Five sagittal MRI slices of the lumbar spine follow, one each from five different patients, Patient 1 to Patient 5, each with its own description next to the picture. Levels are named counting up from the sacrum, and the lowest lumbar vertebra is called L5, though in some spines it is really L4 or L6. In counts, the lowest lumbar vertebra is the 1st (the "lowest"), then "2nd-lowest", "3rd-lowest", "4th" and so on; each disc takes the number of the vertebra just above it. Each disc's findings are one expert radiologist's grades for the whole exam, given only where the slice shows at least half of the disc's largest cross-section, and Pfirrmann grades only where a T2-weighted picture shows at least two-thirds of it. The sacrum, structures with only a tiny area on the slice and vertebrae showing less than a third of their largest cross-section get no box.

Patient 1 of 5:
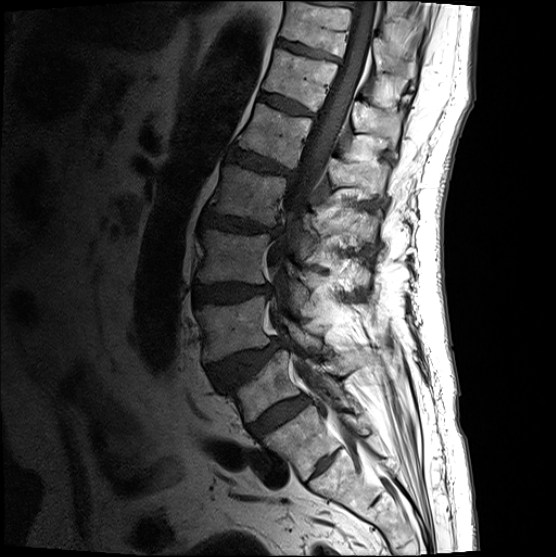 Patient sex: M | Lumbar spine MR, T1-weighted, sagittal
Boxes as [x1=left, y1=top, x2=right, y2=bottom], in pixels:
2nd-lowest disc at [x1=208, y1=341, x2=284, y2=388], 6th vertebra at [x1=263, y1=51, x2=404, y2=159], 5th disc at [x1=229, y1=150, x2=293, y2=180], 4th vertebra at [x1=208, y1=166, x2=381, y2=257], 2nd-lowest vertebra at [x1=196, y1=298, x2=321, y2=364], spinal canal at [x1=268, y1=0, x2=378, y2=450], 6th disc at [x1=259, y1=94, x2=314, y2=119], 3rd-lowest disc at [x1=193, y1=285, x2=271, y2=307], 7th vertebra at [x1=280, y1=2, x2=415, y2=92], lowest vertebra at [x1=226, y1=352, x2=365, y2=423], 4th disc at [x1=200, y1=212, x2=282, y2=238], 5th vertebra at [x1=238, y1=104, x2=391, y2=201], lowest disc at [x1=246, y1=397, x2=308, y2=439], 7th disc at [x1=277, y1=41, x2=339, y2=63], 3rd-lowest vertebra at [x1=196, y1=231, x2=370, y2=317].

Degenerative findings by level:
- 5th disc: disc bulging, upper-endplate change, lower-endplate change
- 3rd-lowest disc: disc bulging
- 2nd-lowest disc: spondylolisthesis, upper-endplate change, disc herniation
- 4th disc: lower-endplate change, disc bulging, upper-endplate change, disc narrowing
- 7th disc: lower-endplate change
- lowest disc, 6th disc: no Modic or endplate change, herniation, narrowing, bulging or spondylolisthesis recorded

Patient 2 of 5:
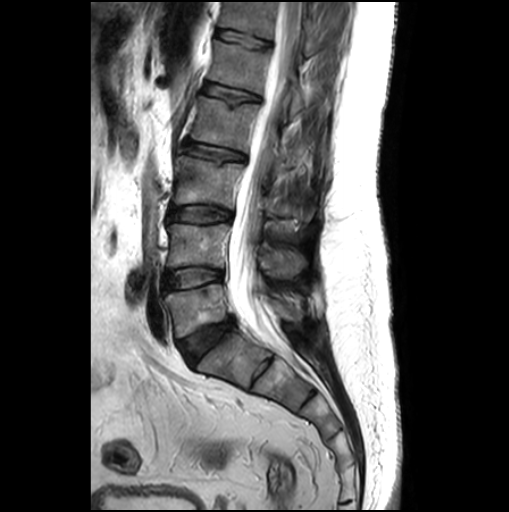 Slice 12/26. Patient sex: M. T2-weighted sagittal MRI of the lumbar spine.
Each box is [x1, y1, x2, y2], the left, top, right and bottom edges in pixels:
L3/L4 (3rd-lowest disc): [168, 206, 231, 222].
Spinal canal: [232, 2, 301, 347].
L1 (5th vertebra): [209, 41, 327, 114].
L5 (lowest vertebra): [165, 284, 301, 337].
IVD T12/L1 (6th disc): [217, 29, 269, 45].
L2 (4th vertebra): [191, 96, 294, 171].
T12 (6th vertebra): [220, 2, 317, 55].
L4 (2nd-lowest vertebra): [167, 224, 304, 277].
L4/L5 (2nd-lowest disc): [165, 267, 223, 288].
L3 (3rd-lowest vertebra): [174, 156, 311, 220].
L1/L2 (5th disc): [204, 83, 259, 103].
L5/S1 (lowest disc): [178, 319, 234, 364].
IVD L2/L3 (4th disc): [183, 142, 244, 160].

Degenerative findings by level:
- L3/L4 (3rd-lowest disc): Pfirrmann grade 1
- T12/L1 (6th disc): Pfirrmann grade 1
- L1/L2 (5th disc): Pfirrmann grade 1, upper-endplate change, lower-endplate change
- L5/S1 (lowest disc): Pfirrmann grade 3, disc bulging
- L4/L5 (2nd-lowest disc): Pfirrmann grade 1
- L2/L3 (4th disc): Pfirrmann grade 1, upper-endplate change, disc bulging, lower-endplate change

Patient 3 of 5:
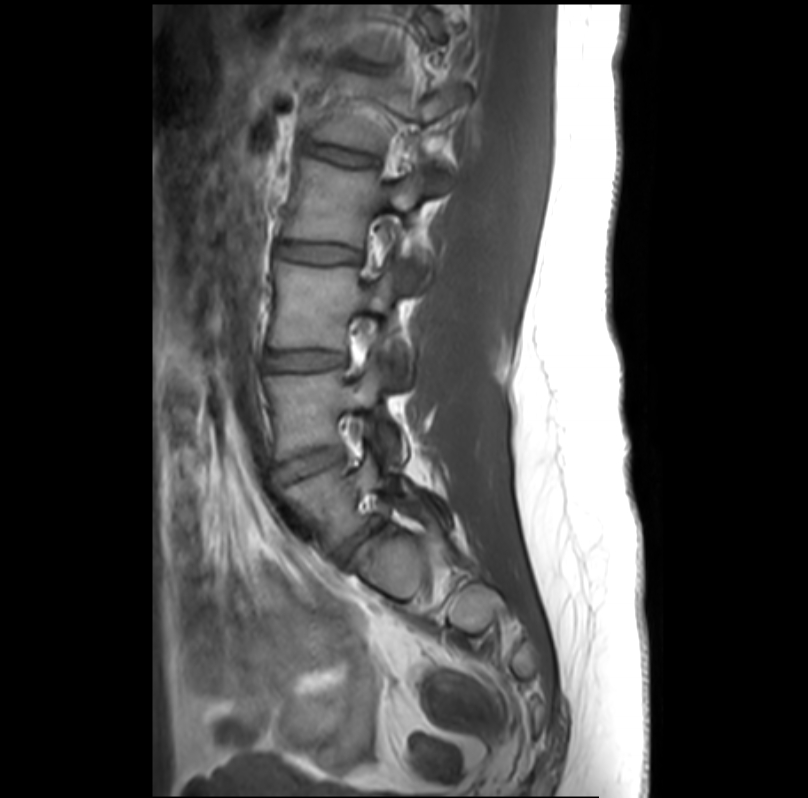

MRI lumbar spine (T1-weighted), sagittal plane | Field of view 286x282 mm | Image 808x798
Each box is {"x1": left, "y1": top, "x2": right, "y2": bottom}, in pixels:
IVD L1/L2 at {"x1": 309, "y1": 143, "x2": 370, "y2": 164}, L1 at {"x1": 314, "y1": 72, "x2": 468, "y2": 151}, L4/L5 at {"x1": 280, "y1": 448, "x2": 344, "y2": 477}, L4 vertebra at {"x1": 270, "y1": 359, "x2": 407, "y2": 460}, L2 at {"x1": 288, "y1": 156, "x2": 447, "y2": 291}, L5/S1 at {"x1": 340, "y1": 531, "x2": 371, "y2": 557}, L2/L3 at {"x1": 282, "y1": 242, "x2": 361, "y2": 262}, IVD L3/L4 at {"x1": 270, "y1": 352, "x2": 345, "y2": 367}, L5 vertebra at {"x1": 289, "y1": 451, "x2": 424, "y2": 546}, L3 at {"x1": 272, "y1": 262, "x2": 411, "y2": 381}.

Radiological gradings:
• L3/L4: disc bulging
• L1/L2, L2/L3, L4/L5: no herniation, bulging, narrowing, spondylolisthesis, endplate or Modic change recorded

Patient 4 of 5:
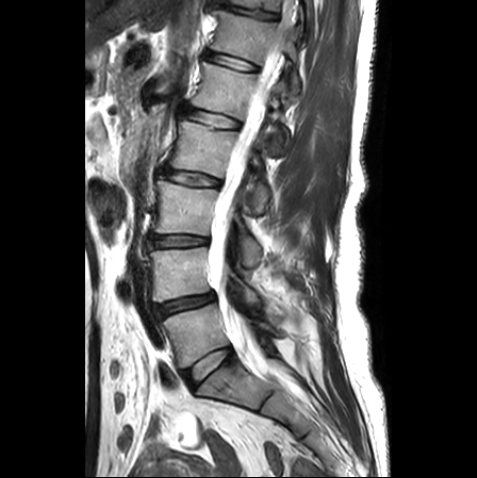

Image 477x478, Sex F, Lumbar spine MR, T2-weighted, sagittal

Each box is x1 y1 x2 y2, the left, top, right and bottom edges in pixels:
2nd-lowest disc: 154 293 214 318.
4th disc: 163 168 219 186.
Lowest disc: 183 348 232 387.
7th vertebra: 221 0 309 10.
4th vertebra: 170 119 267 210.
2nd-lowest vertebra: 150 247 259 305.
7th disc: 212 3 277 19.
Spinal canal: 208 0 297 389.
6th disc: 205 52 257 71.
5th vertebra: 193 62 284 119.
3rd-lowest disc: 149 236 207 247.
6th vertebra: 212 10 298 93.
5th disc: 184 107 239 128.
Lowest vertebra: 163 303 269 367.
3rd-lowest vertebra: 154 177 261 266.

Degenerative findings by level:
  4th disc: Pfirrmann grade 2, disc bulging, upper-endplate change, lower-endplate change
  7th disc: Pfirrmann grade 1, disc narrowing, lower-endplate change, upper-endplate change
  lowest disc: Pfirrmann grade 1
  5th disc: Pfirrmann grade 1, upper-endplate change, lower-endplate change
  6th disc: Pfirrmann grade 1, lower-endplate change, upper-endplate change
  2nd-lowest disc: Pfirrmann grade 3, upper-endplate change, lower-endplate change, disc narrowing, disc bulging
  3rd-lowest disc: Pfirrmann grade 2, disc bulging, disc narrowing

Patient 5 of 5:
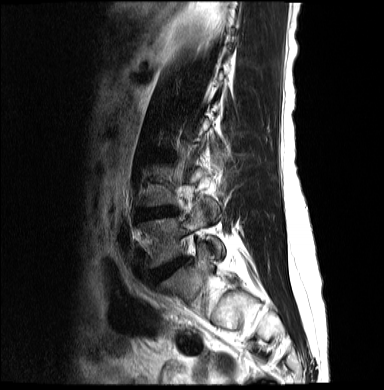
Slice 14/18. MRI lumbar spine (T2-weighted), sagittal plane.

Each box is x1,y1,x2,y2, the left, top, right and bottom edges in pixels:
2nd-lowest disc at 138,207,177,218; lowest disc at 153,257,185,285; lowest vertebra at 140,201,224,268.

Radiological gradings:
- 2nd-lowest disc: disc narrowing, upper-endplate change, lower-endplate change, disc bulging